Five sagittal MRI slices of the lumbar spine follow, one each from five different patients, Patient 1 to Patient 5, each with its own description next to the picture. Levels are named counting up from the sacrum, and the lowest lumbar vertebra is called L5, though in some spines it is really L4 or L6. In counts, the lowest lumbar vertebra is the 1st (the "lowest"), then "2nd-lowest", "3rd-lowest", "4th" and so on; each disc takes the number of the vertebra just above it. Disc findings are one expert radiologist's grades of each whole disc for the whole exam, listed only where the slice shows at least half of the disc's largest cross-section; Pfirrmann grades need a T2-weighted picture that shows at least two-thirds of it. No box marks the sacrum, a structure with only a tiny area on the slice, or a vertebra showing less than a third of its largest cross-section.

Patient 1 of 5:
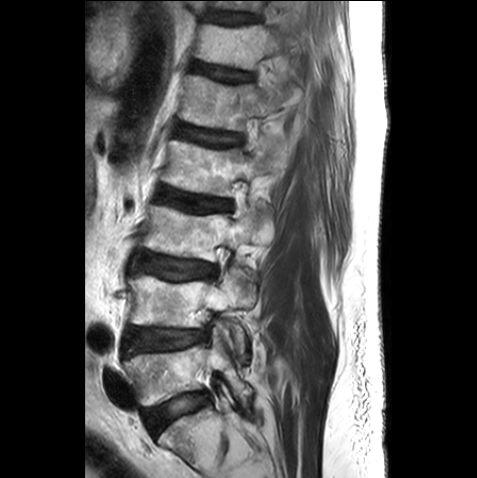 Slice spacing 3.3 mm. T2-weighted sagittal MRI of the lumbar spine.
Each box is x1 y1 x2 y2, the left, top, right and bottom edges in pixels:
Annotations:
- 2nd-lowest disc: 124 327 206 352
- 2nd-lowest vertebra: 128 268 253 361
- 7th disc: 206 11 258 24
- 6th vertebra: 194 24 301 69
- 5th vertebra: 179 75 298 130
- 4th disc: 156 186 231 211
- 3rd-lowest vertebra: 140 205 269 262
- 4th vertebra: 162 140 283 196
- 5th disc: 176 126 242 146
- 3rd-lowest disc: 137 252 217 279
- lowest vertebra: 123 336 251 405
- 6th disc: 191 62 253 81
- lowest disc: 146 393 205 434

Per-level radiological findings:
- 4th disc: Pfirrmann grade 3, upper-endplate change
- 3rd-lowest disc: Pfirrmann grade 2
- 5th disc: Pfirrmann grade 3
- 2nd-lowest disc: Pfirrmann grade 2, lower-endplate change
- 6th disc: upper-endplate change
- lowest disc: no Modic or endplate change, herniation, narrowing, bulging or spondylolisthesis recorded

Patient 2 of 5:
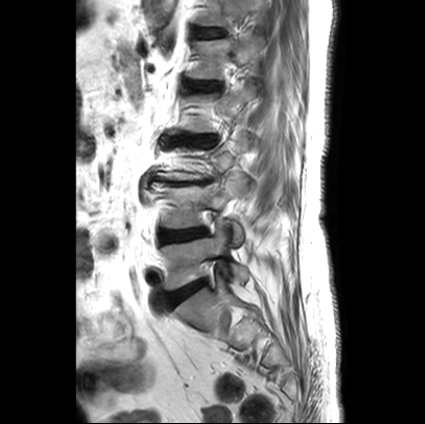 Field of view 281x281 mm; Slice 20/27; T2-weighted sagittal MRI of the lumbar spine
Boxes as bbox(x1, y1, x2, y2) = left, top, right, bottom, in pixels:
lowest vertebra at bbox(161, 222, 248, 290) | 3rd-lowest disc at bbox(148, 177, 208, 185) | 4th disc at bbox(171, 136, 210, 143) | 6th disc at bbox(198, 29, 223, 37) | 2nd-lowest vertebra at bbox(150, 172, 250, 246) | 6th vertebra at bbox(197, 0, 258, 26) | lowest disc at bbox(170, 281, 204, 304) | 5th disc at bbox(186, 80, 220, 92) | 2nd-lowest disc at bbox(161, 228, 207, 243) | 5th vertebra at bbox(189, 33, 264, 79)

Per-level radiological findings:
- 2nd-lowest disc: Pfirrmann grade 2, disc bulging
- 5th disc: disc bulging, upper-endplate change, lower-endplate change

Patient 3 of 5:
Slice 18 of 35; Lumbar spine MR, T2-weighted, sagittal 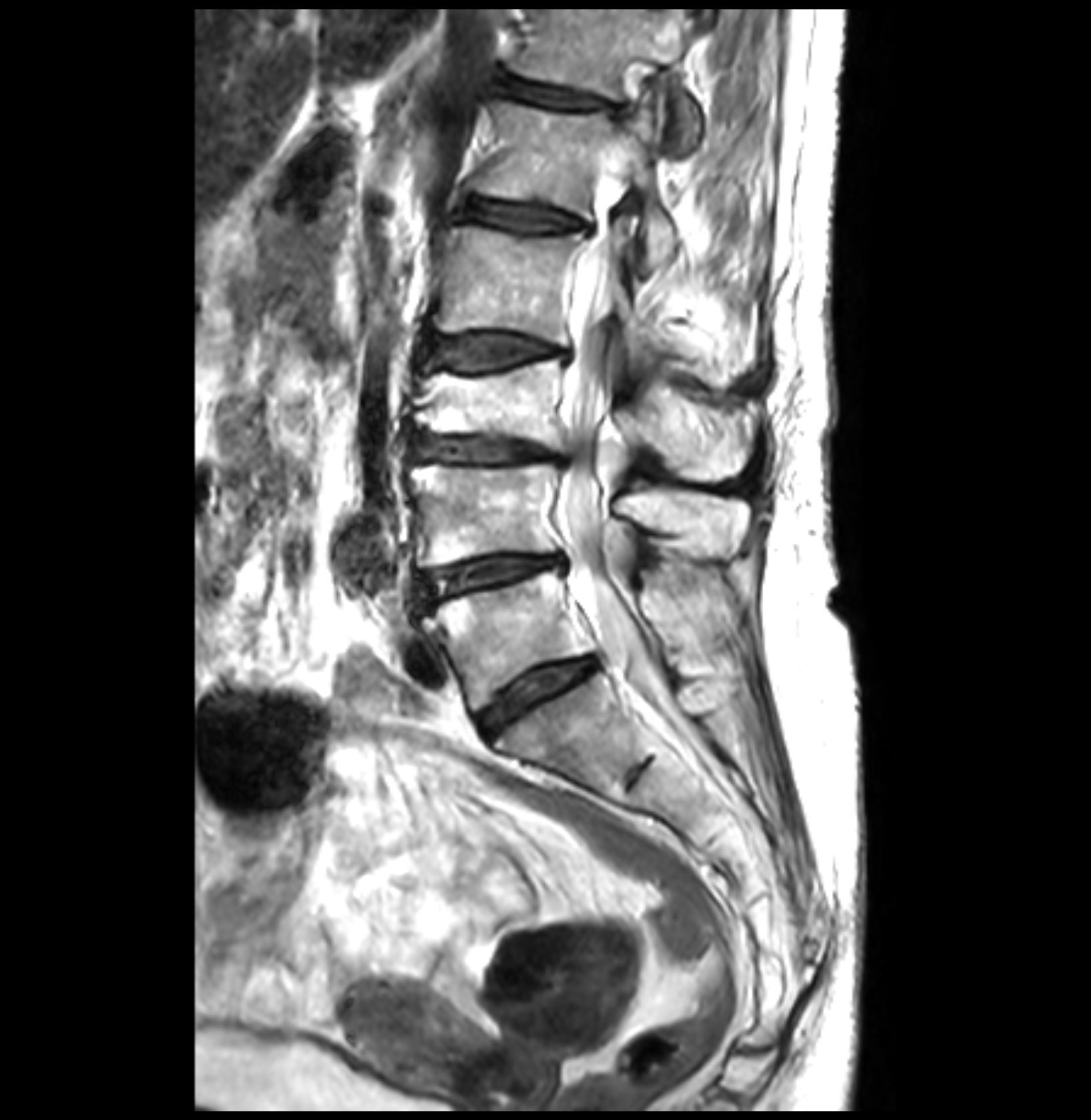 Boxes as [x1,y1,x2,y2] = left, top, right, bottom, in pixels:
4th vertebra = [433,226,747,381].
2nd-lowest disc = [419,554,567,607].
2nd-lowest vertebra = [409,463,747,565].
3rd-lowest vertebra = [414,360,744,481].
5th vertebra = [475,102,676,268].
5th disc = [465,200,594,235].
4th disc = [426,334,570,369].
Lowest vertebra = [424,570,737,711].
3rd-lowest disc = [414,432,564,462].
6th vertebra = [514,9,698,150].
Thecal sac / spinal canal = [560,164,642,671].
Lowest disc = [480,657,598,734].
6th disc = [499,75,626,116].

Degenerative findings by level:
  4th disc: Pfirrmann grade 3, disc bulging, Modic type II
  lowest disc: Pfirrmann grade 3, disc bulging
  2nd-lowest disc: Pfirrmann grade 3, disc bulging, disc narrowing, Modic type II
  5th disc: Pfirrmann grade 3, lower-endplate change, upper-endplate change
  3rd-lowest disc: disc bulging, upper-endplate change, Modic type II, disc narrowing
  6th disc: Pfirrmann grade 3, disc bulging, upper-endplate change

Patient 4 of 5:
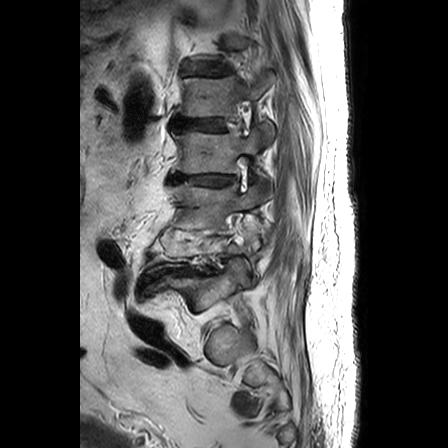 Image 448x448. Lumbar spine MR, T2-weighted, sagittal. Sex M.
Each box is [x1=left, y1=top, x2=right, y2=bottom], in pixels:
Structures:
• 4th disc: [x1=170, y1=174, x2=236, y2=185]
• 2nd-lowest vertebra: [x1=147, y1=219, x2=262, y2=273]
• 4th vertebra: [x1=172, y1=124, x2=273, y2=197]
• 5th disc: [x1=171, y1=119, x2=225, y2=131]
• 5th vertebra: [x1=176, y1=70, x2=275, y2=142]
• 3rd-lowest vertebra: [x1=168, y1=182, x2=262, y2=228]
• 2nd-lowest disc: [x1=144, y1=266, x2=211, y2=282]
• 6th disc: [x1=183, y1=65, x2=230, y2=75]
• lowest vertebra: [x1=159, y1=259, x2=247, y2=310]

Expert MSK radiologist gradings (per disc):
- 5th disc: Pfirrmann grade 4, disc narrowing, disc bulging
- 6th disc: Pfirrmann grade 4, disc herniation, disc narrowing, disc bulging
- 2nd-lowest disc: Modic type II, disc herniation, disc narrowing, disc bulging
- 4th disc: Pfirrmann grade 4, disc bulging, disc narrowing

Patient 5 of 5:
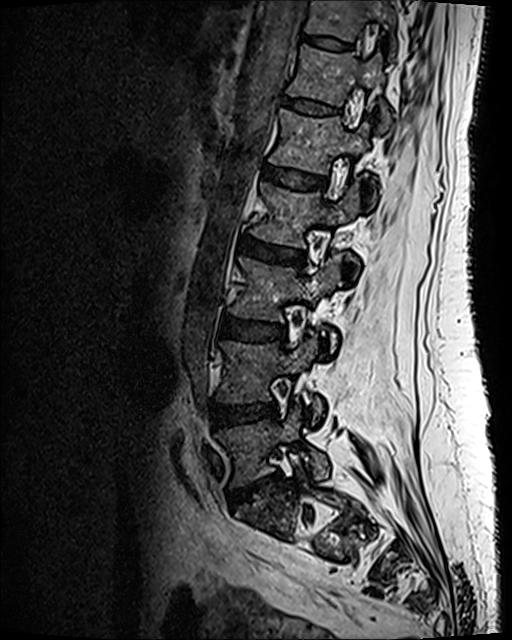 Sex F, MRI lumbar spine (T2 SPACE (3D)), sagittal plane, Slice 45/120
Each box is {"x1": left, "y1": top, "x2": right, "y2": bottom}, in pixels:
{"L5 vertebra": {"x1": 217, "y1": 408, "x2": 329, "y2": 485}, "L4": {"x1": 217, "y1": 335, "x2": 322, "y2": 422}, "intervertebral disc L3/L4": {"x1": 221, "y1": 318, "x2": 284, "y2": 341}, "intervertebral disc T12/L1": {"x1": 282, "y1": 97, "x2": 338, "y2": 114}, "intervertebral disc L1/L2": {"x1": 262, "y1": 167, "x2": 327, "y2": 189}, "intervertebral disc T11/T12": {"x1": 303, "y1": 36, "x2": 350, "y2": 51}, "intervertebral disc L2/L3": {"x1": 240, "y1": 236, "x2": 304, "y2": 264}, "T12": {"x1": 287, "y1": 45, "x2": 390, "y2": 128}, "L2": {"x1": 251, "y1": 183, "x2": 360, "y2": 275}, "intervertebral disc L4/L5": {"x1": 213, "y1": 402, "x2": 278, "y2": 426}, "L3 vertebra": {"x1": 229, "y1": 257, "x2": 342, "y2": 351}, "L5/S1": {"x1": 229, "y1": 475, "x2": 278, "y2": 507}, "L1 vertebra": {"x1": 269, "y1": 109, "x2": 377, "y2": 201}, "T11 vertebra": {"x1": 302, "y1": 0, "x2": 395, "y2": 52}}

Per-level radiological findings:
• L1/L2: Pfirrmann grade 2
• L2/L3: disc bulging
• L4/L5: disc bulging
• T12/L1, L3/L4, T11/T12: no herniation, bulging, narrowing, spondylolisthesis, endplate or Modic change recorded